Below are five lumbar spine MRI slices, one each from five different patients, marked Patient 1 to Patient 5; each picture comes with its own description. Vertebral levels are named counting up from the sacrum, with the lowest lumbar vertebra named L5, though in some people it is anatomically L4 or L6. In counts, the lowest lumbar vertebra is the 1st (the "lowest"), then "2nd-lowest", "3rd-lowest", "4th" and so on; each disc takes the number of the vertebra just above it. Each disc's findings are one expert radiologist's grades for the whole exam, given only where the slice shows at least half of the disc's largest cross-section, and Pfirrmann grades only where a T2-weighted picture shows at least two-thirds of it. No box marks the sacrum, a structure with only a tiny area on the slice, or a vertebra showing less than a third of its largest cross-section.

Patient 1 of 5:
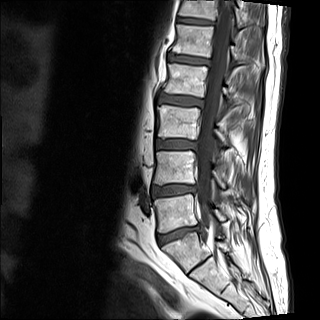
Field of view 280x280 mm, slice spacing 4.8 mm | 320x320 px | Lumbar spine MR, T1-weighted, sagittal | Slice 7/15

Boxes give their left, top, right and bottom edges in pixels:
{"disc L1/L2 (5th disc)": "left=168, top=54, right=210, bottom=64", "L4 (2nd-lowest vertebra)": "left=153, top=151, right=232, bottom=193", "L4/L5 (2nd-lowest disc)": "left=151, top=185, right=196, bottom=196", "T12/L1 (6th disc)": "left=177, top=17, right=212, bottom=24", "L5 (lowest vertebra)": "left=153, top=194, right=225, bottom=232", "spinal canal": "left=197, top=0, right=232, bottom=232", "L3 (3rd-lowest vertebra)": "left=157, top=105, right=227, bottom=145", "L2/L3 (4th disc)": "left=159, top=94, right=203, bottom=107", "L2 (4th vertebra)": "left=163, top=63, right=239, bottom=104", "L1 (5th vertebra)": "left=172, top=24, right=264, bottom=66", "T12 (6th vertebra)": "left=179, top=0, right=244, bottom=27", "disc L5/S1 (lowest disc)": "left=157, top=225, right=202, bottom=244", "disc L3/L4 (3rd-lowest disc)": "left=156, top=140, right=197, bottom=150"}

Expert MSK radiologist gradings (per disc):
• L4/L5 (2nd-lowest disc): lower-endplate change, upper-endplate change, disc bulging
• L1/L2 (5th disc): upper-endplate change, Modic type II, lower-endplate change
• L2/L3 (4th disc): Modic type II, disc bulging, upper-endplate change, lower-endplate change
• L5/S1 (lowest disc): disc narrowing, Modic type II, disc herniation, upper-endplate change, lower-endplate change
• L3/L4 (3rd-lowest disc), T12/L1 (6th disc): no Modic or endplate change, herniation, narrowing, bulging or spondylolisthesis recorded

Patient 2 of 5:
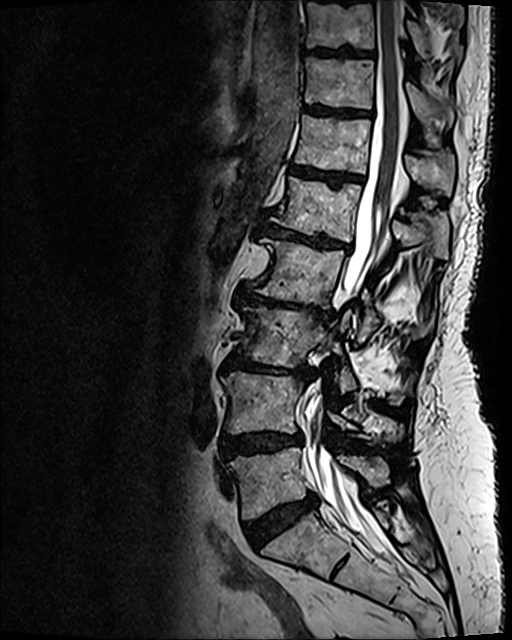
Slice 53 of 120 | Slice spacing 0.9 mm | Lumbar spine MR, T2 SPACE (3D), sagittal
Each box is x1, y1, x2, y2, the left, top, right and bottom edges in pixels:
IVD L1/L2 (5th disc): 261, 222, 349, 249 | L3 (3rd-lowest vertebra): 241, 306, 400, 401 | T10/T11 (8th disc): 307, 48, 369, 56 | T12 (6th vertebra): 295, 115, 454, 195 | L5 (lowest vertebra): 229, 447, 388, 519 | spinal canal: 306, 0, 400, 552 | L5/S1 (lowest disc): 244, 494, 316, 546 | T10 (8th vertebra): 306, 0, 460, 57 | L2 (4th vertebra): 256, 238, 430, 343 | IVD L4/L5 (2nd-lowest disc): 221, 432, 301, 458 | L4 (2nd-lowest vertebra): 222, 372, 403, 441 | L2/L3 (4th disc): 234, 287, 332, 322 | L1 (5th vertebra): 272, 177, 449, 258 | T12/L1 (6th disc): 290, 166, 362, 184 | L3/L4 (3rd-lowest disc): 225, 354, 308, 377 | T11 (7th vertebra): 305, 58, 453, 127 | T11/T12 (7th disc): 305, 106, 365, 116

Radiological gradings:
- T10/T11 (8th disc): Pfirrmann grade 4, lower-endplate change, upper-endplate change
- L4/L5 (2nd-lowest disc): Pfirrmann grade 4, disc bulging, lower-endplate change, upper-endplate change
- L5/S1 (lowest disc): Pfirrmann grade 4, disc bulging
- L3/L4 (3rd-lowest disc): disc bulging, upper-endplate change, disc narrowing, lower-endplate change, Modic type II
- T11/T12 (7th disc): Pfirrmann grade 4, upper-endplate change, lower-endplate change
- T12/L1 (6th disc): Pfirrmann grade 4, Modic type II, lower-endplate change, upper-endplate change
- L2/L3 (4th disc): Pfirrmann grade 5, upper-endplate change, disc narrowing, disc bulging, Modic type II, lower-endplate change
- L1/L2 (5th disc): Pfirrmann grade 5, disc narrowing, upper-endplate change, disc bulging, lower-endplate change, Modic type II

Patient 3 of 5:
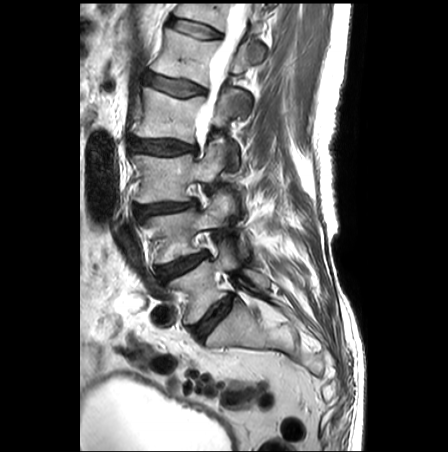 Sagittal slice index 8, Sagittal T2-weighted lumbar spine MRI
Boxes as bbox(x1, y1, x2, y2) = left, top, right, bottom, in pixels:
Lowest disc at bbox(194, 295, 233, 338); 3rd-lowest vertebra at bbox(131, 143, 223, 202); 5th disc at bbox(143, 72, 204, 96); 2nd-lowest vertebra at bbox(144, 192, 249, 262); 4th disc at bbox(129, 137, 197, 155); thecal sac / spinal canal at bbox(197, 4, 248, 129); 6th disc at bbox(169, 18, 219, 38); 4th vertebra at bbox(136, 87, 238, 168); 3rd-lowest disc at bbox(135, 200, 198, 220); 5th vertebra at bbox(153, 28, 250, 86); 6th vertebra at bbox(175, 4, 267, 62); lowest vertebra at bbox(170, 242, 269, 323); 2nd-lowest disc at bbox(157, 252, 207, 281).

Expert MSK radiologist gradings (per disc):
• 3rd-lowest disc: Pfirrmann grade 3, disc narrowing, disc bulging
• lowest disc: disc bulging
• 4th disc: Pfirrmann grade 3, disc bulging
• 2nd-lowest disc: Pfirrmann grade 3, disc bulging
• 5th disc: Pfirrmann grade 2, upper-endplate change, disc bulging, lower-endplate change, Modic type II
• 6th disc: Pfirrmann grade 1

Patient 4 of 5:
448x452 px | Patient sex: F | Lumbar spine MR, T2-weighted, sagittal 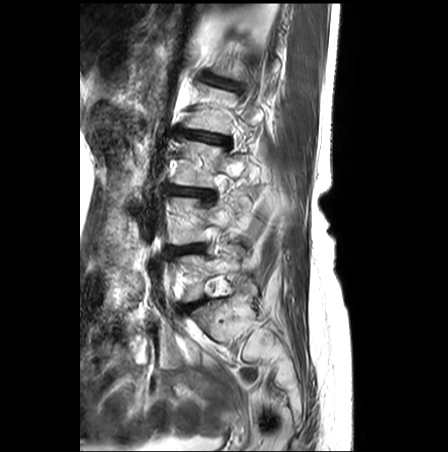 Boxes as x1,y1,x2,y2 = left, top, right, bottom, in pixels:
3rd-lowest disc: 171,187,213,197.
3rd-lowest vertebra: 174,139,246,187.
Lowest vertebra: 178,246,243,300.
2nd-lowest disc: 172,244,201,253.
5th disc: 206,73,237,89.
4th disc: 185,131,228,144.
2nd-lowest vertebra: 172,196,250,245.

Expert MSK radiologist gradings (per disc):
- 4th disc: Pfirrmann grade 3, disc narrowing, Modic type II, disc bulging, upper-endplate change, lower-endplate change
- 3rd-lowest disc: disc narrowing, lower-endplate change, disc bulging, Modic type II, upper-endplate change
- 5th disc: Pfirrmann grade 3, upper-endplate change, lower-endplate change, disc bulging

Patient 5 of 5:
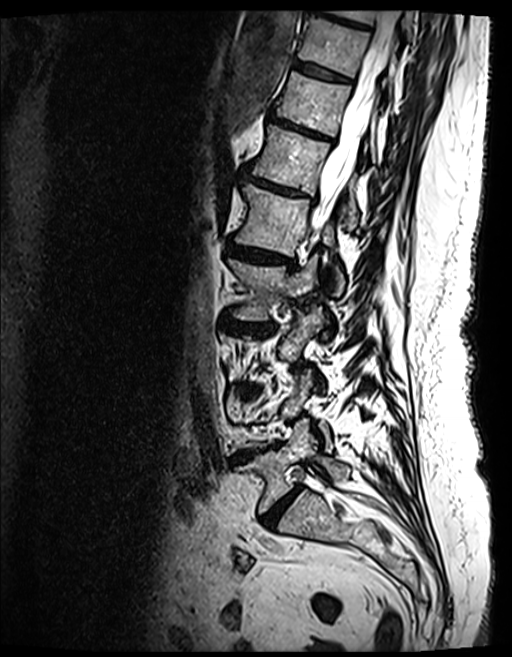

Slice 56/154. Lumbar spine MR, T2 SPACE (3D), sagittal.

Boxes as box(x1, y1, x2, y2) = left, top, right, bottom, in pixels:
{"L5/S1 (lowest disc)": "box(261, 487, 301, 526)", "IVD L4/L5 (2nd-lowest disc)": "box(235, 449, 265, 461)", "T10/T11 (8th disc)": "box(294, 60, 348, 82)", "IVD L2/L3 (4th disc)": "box(222, 315, 272, 334)", "T12/L1 (6th disc)": "box(243, 174, 307, 197)", "spinal canal": "box(311, 10, 398, 225)", "T10 (8th vertebra)": "box(298, 16, 397, 95)", "L5 (lowest vertebra)": "box(238, 420, 349, 511)", "L1/L2 (5th disc)": "box(231, 243, 287, 262)", "T9/T10 (9th disc)": "box(308, 0, 367, 28)", "L1 (5th vertebra)": "box(237, 183, 343, 292)", "T12 (6th vertebra)": "box(251, 125, 357, 229)", "T9 (9th vertebra)": "box(328, 9, 414, 38)", "T11 (7th vertebra)": "box(276, 72, 376, 162)", "L2 (4th vertebra)": "box(230, 254, 319, 320)", "IVD T11/T12 (7th disc)": "box(269, 115, 330, 140)"}

Radiological gradings:
- T12/L1 (6th disc): Pfirrmann grade 4, upper-endplate change, Modic type II, disc narrowing, disc bulging, lower-endplate change
- T10/T11 (8th disc): Pfirrmann grade 4, Modic type II, lower-endplate change, upper-endplate change
- L5/S1 (lowest disc): disc narrowing, disc bulging
- L1/L2 (5th disc): Pfirrmann grade 4, disc bulging, upper-endplate change, Modic type II, disc narrowing, lower-endplate change
- T9/T10 (9th disc): Pfirrmann grade 4, disc bulging, upper-endplate change, Modic type II, lower-endplate change
- L2/L3 (4th disc): Pfirrmann grade 4, lower-endplate change, upper-endplate change, Modic type II, disc narrowing, disc bulging
- T11/T12 (7th disc): Pfirrmann grade 5, upper-endplate change, lower-endplate change, disc bulging, Modic type II, disc narrowing